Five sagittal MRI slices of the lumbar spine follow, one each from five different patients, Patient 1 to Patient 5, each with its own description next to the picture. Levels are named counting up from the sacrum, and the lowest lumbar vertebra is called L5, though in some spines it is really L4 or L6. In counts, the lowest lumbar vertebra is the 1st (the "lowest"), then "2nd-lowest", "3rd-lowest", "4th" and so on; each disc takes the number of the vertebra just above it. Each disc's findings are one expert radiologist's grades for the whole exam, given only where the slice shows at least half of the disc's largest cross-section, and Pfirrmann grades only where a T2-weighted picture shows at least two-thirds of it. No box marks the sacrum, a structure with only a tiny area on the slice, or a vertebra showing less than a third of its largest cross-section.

Patient 1 of 5:
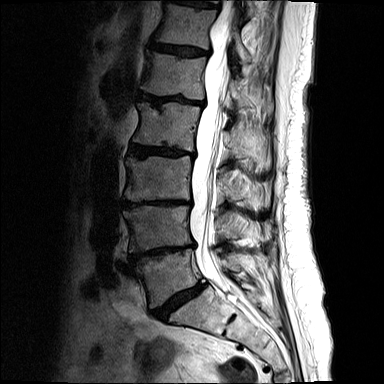
Lumbar spine MR, T2-weighted, sagittal. Patient sex: F. Slice 9/17.

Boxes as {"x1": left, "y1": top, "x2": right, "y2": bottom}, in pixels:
2nd-lowest disc: {"x1": 132, "y1": 245, "x2": 193, "y2": 261}.
Lowest vertebra: {"x1": 137, "y1": 249, "x2": 240, "y2": 307}.
5th disc: {"x1": 138, "y1": 93, "x2": 203, "y2": 105}.
4th disc: {"x1": 129, "y1": 144, "x2": 193, "y2": 157}.
Lowest disc: {"x1": 152, "y1": 284, "x2": 205, "y2": 320}.
6th disc: {"x1": 150, "y1": 42, "x2": 207, "y2": 56}.
3rd-lowest disc: {"x1": 122, "y1": 200, "x2": 190, "y2": 207}.
6th vertebra: {"x1": 155, "y1": 4, "x2": 251, "y2": 65}.
4th vertebra: {"x1": 133, "y1": 102, "x2": 246, "y2": 158}.
2nd-lowest vertebra: {"x1": 123, "y1": 206, "x2": 267, "y2": 252}.
7th disc: {"x1": 179, "y1": 0, "x2": 217, "y2": 7}.
3rd-lowest vertebra: {"x1": 125, "y1": 156, "x2": 255, "y2": 208}.
5th vertebra: {"x1": 141, "y1": 51, "x2": 272, "y2": 111}.
Thecal sac / spinal canal: {"x1": 190, "y1": 0, "x2": 236, "y2": 292}.

Radiological gradings:
  4th disc: Pfirrmann grade 5, Modic type II, upper-endplate change, disc narrowing, lower-endplate change, disc bulging
  3rd-lowest disc: Pfirrmann grade 5, disc bulging, lower-endplate change, Modic type II, disc narrowing, upper-endplate change
  7th disc: Pfirrmann grade 4, disc bulging, Modic type II, lower-endplate change, upper-endplate change
  5th disc: Pfirrmann grade 5, Modic type II, disc narrowing, upper-endplate change, disc bulging, lower-endplate change
  2nd-lowest disc: Pfirrmann grade 5, upper-endplate change, Modic type II, disc narrowing, disc bulging, lower-endplate change
  lowest disc: Pfirrmann grade 5, disc bulging, upper-endplate change, spondylolisthesis, disc narrowing, Modic type II, lower-endplate change
  6th disc: Pfirrmann grade 4, Modic type II, lower-endplate change, disc bulging, upper-endplate change

Patient 2 of 5:
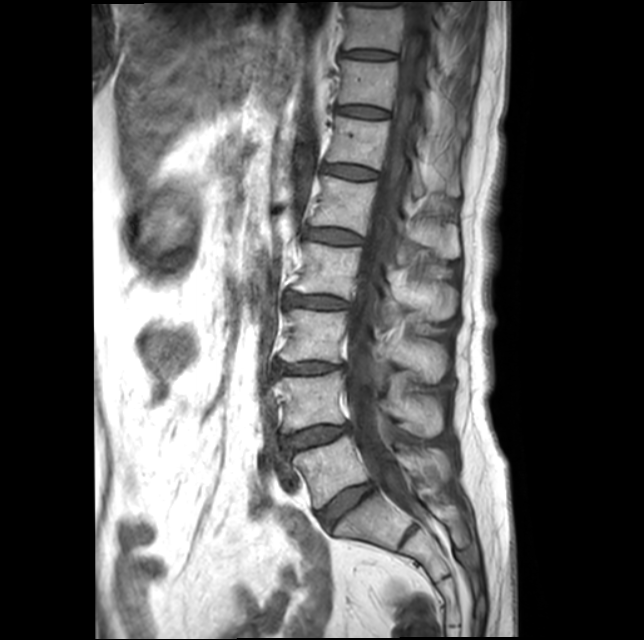
Sagittal slice index 7; 644x640 px; MRI lumbar spine (T1-weighted), sagittal plane

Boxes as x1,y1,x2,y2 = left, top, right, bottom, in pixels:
Disc L5/S1 (lowest disc): 318,483,374,526.
T11 (7th vertebra): 338,59,466,133.
L2 (4th vertebra): 293,241,458,322.
L4 (2nd-lowest vertebra): 274,371,443,437.
L1 (5th vertebra): 311,175,460,264.
T10 (8th vertebra): 345,6,474,77.
Disc L2/L3 (4th disc): 286,292,347,308.
T12/L1 (6th disc): 323,165,376,180.
Disc L4/L5 (2nd-lowest disc): 283,425,350,452.
Spinal canal: 347,2,431,516.
L5 (lowest vertebra): 293,435,450,507.
T10/T11 (8th disc): 343,51,394,59.
L1/L2 (5th disc): 306,228,361,243.
L3 (3rd-lowest vertebra): 279,309,448,383.
Disc L3/L4 (3rd-lowest disc): 277,362,344,374.
T12 (6th vertebra): 327,116,459,196.
Disc T11/T12 (7th disc): 337,107,387,117.

Expert MSK radiologist gradings (per disc):
  L1/L2 (5th disc): Modic type II
  L4/L5 (2nd-lowest disc): disc bulging, lower-endplate change, upper-endplate change, Modic type II
  L2/L3 (4th disc): upper-endplate change, lower-endplate change, Modic type II, disc bulging, disc narrowing
  L3/L4 (3rd-lowest disc): upper-endplate change, lower-endplate change, disc bulging, Modic type II, disc narrowing
  L5/S1 (lowest disc), T10/T11 (8th disc), T12/L1 (6th disc), T11/T12 (7th disc): no Modic or endplate change, herniation, narrowing, bulging or spondylolisthesis recorded

Patient 3 of 5:
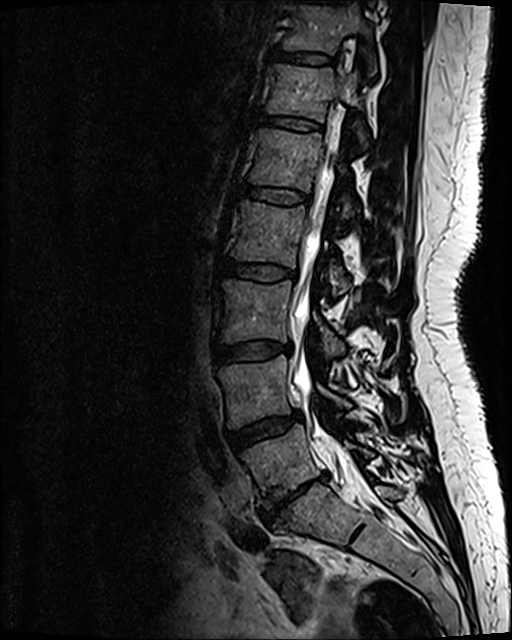 Sagittal T2 SPACE (3D) lumbar spine MRI, Sagittal slice index 70

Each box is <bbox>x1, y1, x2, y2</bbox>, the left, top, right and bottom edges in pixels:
Segmented structures:
• 6th disc: <bbox>259, 114, 321, 130</bbox>
• 7th vertebra: <bbox>284, 6, 375, 68</bbox>
• 3rd-lowest vertebra: <bbox>220, 281, 343, 354</bbox>
• 5th vertebra: <bbox>250, 129, 357, 218</bbox>
• 2nd-lowest vertebra: <bbox>219, 355, 350, 426</bbox>
• 4th disc: <bbox>223, 259, 296, 280</bbox>
• 2nd-lowest disc: <bbox>227, 414, 299, 449</bbox>
• 5th disc: <bbox>240, 184, 310, 204</bbox>
• 7th disc: <bbox>272, 49, 332, 63</bbox>
• 3rd-lowest disc: <bbox>213, 341, 290, 364</bbox>
• lowest vertebra: <bbox>242, 425, 371, 507</bbox>
• 6th vertebra: <bbox>267, 64, 367, 143</bbox>
• 4th vertebra: <bbox>232, 203, 345, 295</bbox>
• lowest disc: <bbox>261, 473, 328, 522</bbox>
• thecal sac / spinal canal: <bbox>291, 141, 351, 472</bbox>

Expert MSK radiologist gradings (per disc):
- 7th disc: Pfirrmann grade 2
- 3rd-lowest disc: Pfirrmann grade 2, disc bulging
- 6th disc: Pfirrmann grade 2
- 4th disc: Pfirrmann grade 2
- 5th disc: Pfirrmann grade 2
- lowest disc: Modic type III, disc herniation, disc narrowing, lower-endplate change, disc bulging, upper-endplate change
- 2nd-lowest disc: Pfirrmann grade 3, disc bulging

Patient 4 of 5:
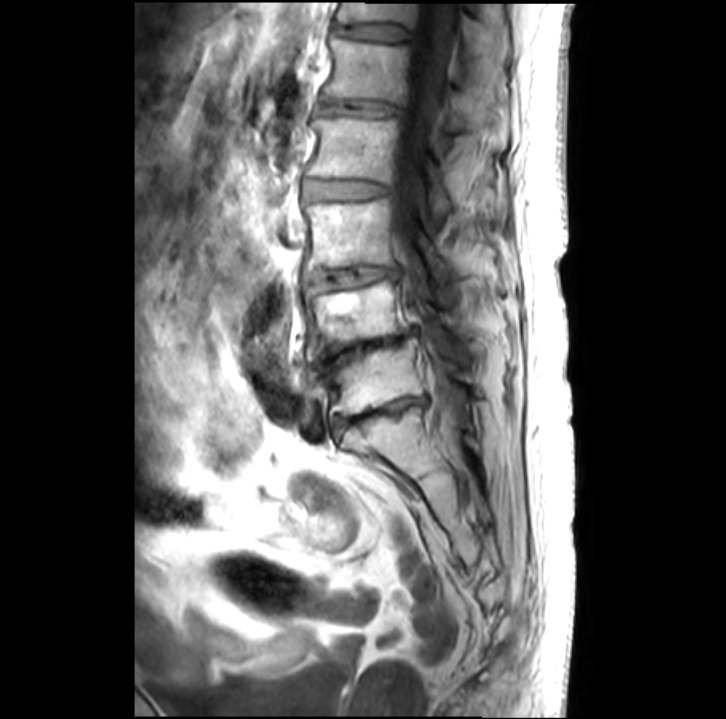 MRI lumbar spine (T1-weighted), sagittal plane
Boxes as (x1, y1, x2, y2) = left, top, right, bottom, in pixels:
L3 (3rd-lowest vertebra) at (304, 198, 453, 279), intervertebral disc L3/L4 (3rd-lowest disc) at (305, 266, 396, 290), L5/S1 (lowest disc) at (332, 397, 422, 431), spinal canal at (391, 0, 458, 431), intervertebral disc T12/L1 (6th disc) at (335, 23, 409, 39), intervertebral disc L2/L3 (4th disc) at (304, 179, 389, 198), L5 (lowest vertebra) at (320, 338, 480, 415), L2 (4th vertebra) at (307, 115, 452, 215), L1/L2 (5th disc) at (322, 101, 399, 114), L1 (5th vertebra) at (324, 33, 503, 128), L4/L5 (2nd-lowest disc) at (313, 327, 416, 372), T12 (6th vertebra) at (338, 1, 507, 53), L4 (2nd-lowest vertebra) at (305, 278, 471, 360).

Per-level radiological findings:
• L3/L4 (3rd-lowest disc): Modic type II, disc narrowing
• L1/L2 (5th disc): disc bulging, disc narrowing
• L4/L5 (2nd-lowest disc): disc narrowing
• L5/S1 (lowest disc): disc narrowing, Modic type II
• T12/L1 (6th disc): disc bulging
• L2/L3 (4th disc): no herniation, bulging, narrowing, spondylolisthesis, endplate or Modic change recorded

Patient 5 of 5:
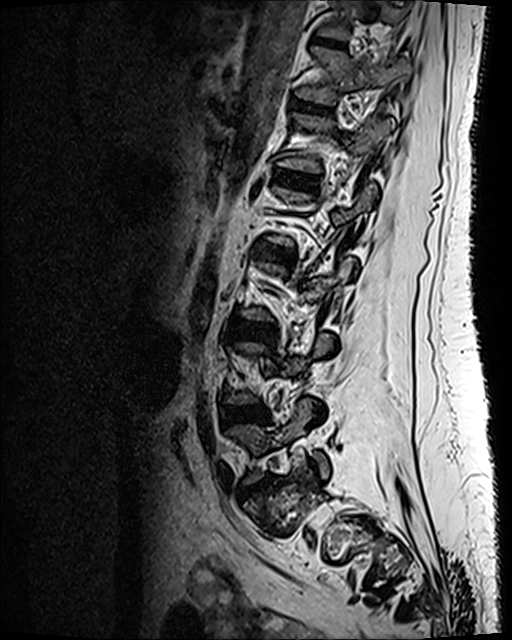
512x640 px, Lumbar spine MR, T2 SPACE (3D), sagittal

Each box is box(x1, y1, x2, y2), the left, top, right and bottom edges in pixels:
- 5th disc: box(277, 171, 317, 189)
- 7th disc: box(313, 38, 343, 47)
- 6th disc: box(297, 102, 330, 113)
- lowest disc: box(243, 480, 269, 492)
- 7th vertebra: box(319, 0, 406, 39)
- 5th vertebra: box(279, 113, 394, 173)
- 6th vertebra: box(297, 47, 408, 104)
- 3rd-lowest disc: box(228, 321, 273, 339)
- 2nd-lowest disc: box(222, 406, 266, 424)
- 4th disc: box(255, 243, 293, 260)
- lowest vertebra: box(228, 399, 329, 484)